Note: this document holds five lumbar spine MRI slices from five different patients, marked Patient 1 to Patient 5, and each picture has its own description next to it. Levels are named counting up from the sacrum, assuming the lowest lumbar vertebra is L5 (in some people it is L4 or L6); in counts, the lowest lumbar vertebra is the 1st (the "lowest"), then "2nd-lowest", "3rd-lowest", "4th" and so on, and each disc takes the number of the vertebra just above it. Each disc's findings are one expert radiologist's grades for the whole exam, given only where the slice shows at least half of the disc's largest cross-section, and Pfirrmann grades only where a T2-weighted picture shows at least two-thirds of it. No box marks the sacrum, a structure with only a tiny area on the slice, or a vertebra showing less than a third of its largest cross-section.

Patient 1 of 5:
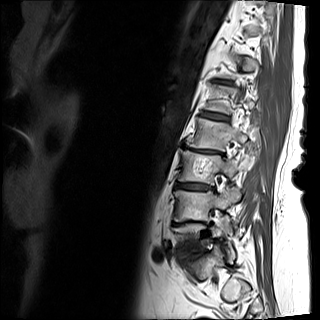 Lumbar spine MR, T1-weighted, sagittal
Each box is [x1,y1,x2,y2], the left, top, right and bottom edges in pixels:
Segmented structures:
* L2/L3: [184,146,222,154]
* L3/L4: [175,182,214,189]
* L3 vertebra: [178,149,249,185]
* L2: [186,118,257,151]
* L1/L2: [201,111,229,120]
* L4: [174,185,240,221]
* L5 vertebra: [173,215,231,250]
* disc L5/S1: [192,248,204,257]

Radiological gradings:
• L3/L4: upper-endplate change, lower-endplate change, disc bulging
• L2/L3: upper-endplate change, disc bulging, lower-endplate change, spondylolisthesis, disc narrowing, Modic type II
• L1/L2: lower-endplate change, disc bulging, upper-endplate change

Patient 2 of 5:
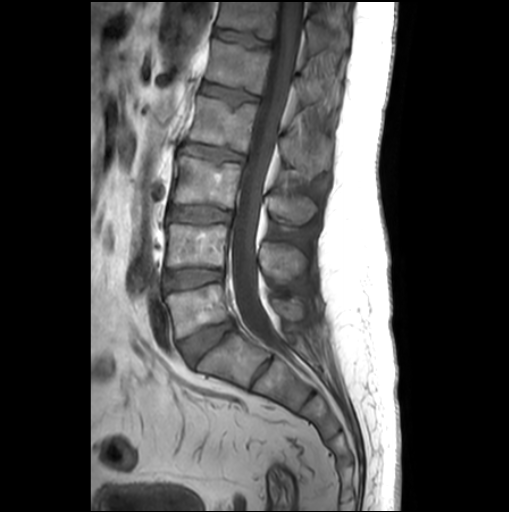

Sagittal slice index 12, Lumbar spine MR, T1-weighted, sagittal
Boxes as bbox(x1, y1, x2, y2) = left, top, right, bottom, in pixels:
2nd-lowest disc: bbox(165, 268, 223, 289).
6th vertebra: bbox(218, 2, 349, 52).
4th disc: bbox(182, 143, 244, 160).
Lowest disc: bbox(179, 319, 233, 363).
6th disc: bbox(216, 29, 268, 45).
3rd-lowest disc: bbox(168, 206, 231, 222).
4th vertebra: bbox(190, 96, 332, 174).
2nd-lowest vertebra: bbox(166, 224, 306, 278).
Spinal canal: bbox(229, 2, 302, 345).
5th vertebra: bbox(207, 40, 340, 111).
3rd-lowest vertebra: bbox(173, 156, 316, 223).
Lowest vertebra: bbox(165, 284, 302, 337).
5th disc: bbox(202, 83, 258, 105).

Per-level radiological findings:
• lowest disc: disc bulging
• 4th disc: disc bulging, upper-endplate change, lower-endplate change
• 5th disc: upper-endplate change, lower-endplate change
• 6th disc, 2nd-lowest disc, 3rd-lowest disc: no spondylolisthesis, narrowing, bulging, herniation, Modic or endplate change recorded

Patient 3 of 5:
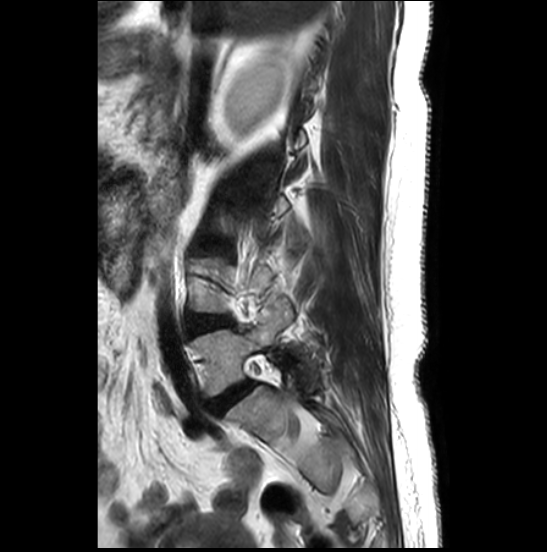 Image 547x552, Slice spacing 3.3 mm, T2-weighted sagittal MRI of the lumbar spine
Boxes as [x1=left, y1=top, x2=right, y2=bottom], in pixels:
Annotations:
• L5 vertebra: [x1=192, y1=296, x2=310, y2=395]
• L5/S1: [x1=210, y1=382, x2=252, y2=413]
• L4/L5: [x1=189, y1=316, x2=230, y2=333]

Degenerative findings by level:
  L5/S1: disc bulging

Patient 4 of 5:
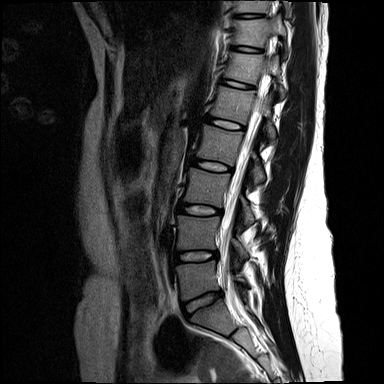

Lumbar spine MR, T2-weighted, sagittal

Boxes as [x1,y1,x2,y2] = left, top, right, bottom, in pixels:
Structures:
- 8th disc: [235,13,260,17]
- 6th vertebra: [224,53,285,98]
- lowest disc: [183,292,222,315]
- 6th disc: [220,79,251,87]
- lowest vertebra: [176,260,246,299]
- spinal canal: [220,67,268,286]
- 7th disc: [233,46,260,52]
- 8th vertebra: [237,1,287,12]
- 3rd-lowest vertebra: [185,168,254,223]
- 2nd-lowest vertebra: [178,216,248,259]
- 4th vertebra: [197,125,265,182]
- 5th disc: [206,117,242,129]
- 3rd-lowest disc: [179,203,221,215]
- 5th vertebra: [211,85,275,138]
- 4th disc: [192,158,230,170]
- 7th vertebra: [234,15,287,55]
- 2nd-lowest disc: [175,251,218,262]

Degenerative findings by level:
- 7th disc: Pfirrmann grade 1
- 5th disc: Pfirrmann grade 1
- 2nd-lowest disc: Pfirrmann grade 2
- 6th disc: Pfirrmann grade 1
- 8th disc: Pfirrmann grade 1
- lowest disc: Pfirrmann grade 2
- 4th disc: Pfirrmann grade 1
- 3rd-lowest disc: Pfirrmann grade 1

Patient 5 of 5:
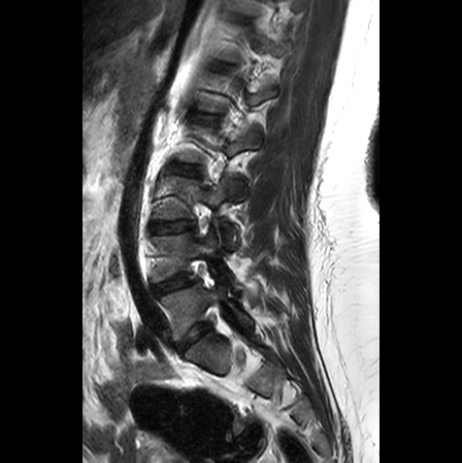 Lumbar spine MR, T2-weighted, sagittal, 462x463 px
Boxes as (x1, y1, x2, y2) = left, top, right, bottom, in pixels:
3rd-lowest vertebra: (154, 177, 234, 246) | 3rd-lowest disc: (151, 221, 193, 233) | lowest vertebra: (161, 274, 252, 339) | 2nd-lowest vertebra: (153, 234, 234, 289) | 5th disc: (191, 113, 216, 121) | 4th disc: (170, 164, 197, 174) | lowest disc: (177, 323, 211, 352) | 2nd-lowest disc: (153, 275, 189, 295)

Degenerative findings by level:
- 2nd-lowest disc: disc narrowing, disc bulging
- 3rd-lowest disc: Pfirrmann grade 1
- lowest disc: disc bulging, disc narrowing